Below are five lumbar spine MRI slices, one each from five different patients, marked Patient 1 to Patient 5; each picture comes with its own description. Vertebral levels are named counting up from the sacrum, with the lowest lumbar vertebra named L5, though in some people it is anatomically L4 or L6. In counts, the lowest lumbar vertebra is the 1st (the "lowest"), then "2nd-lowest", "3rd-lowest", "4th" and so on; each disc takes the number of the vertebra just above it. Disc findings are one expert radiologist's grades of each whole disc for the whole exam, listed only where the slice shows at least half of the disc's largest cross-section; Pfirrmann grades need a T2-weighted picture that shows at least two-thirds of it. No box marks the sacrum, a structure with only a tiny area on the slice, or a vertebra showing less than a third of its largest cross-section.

Patient 1 of 5:
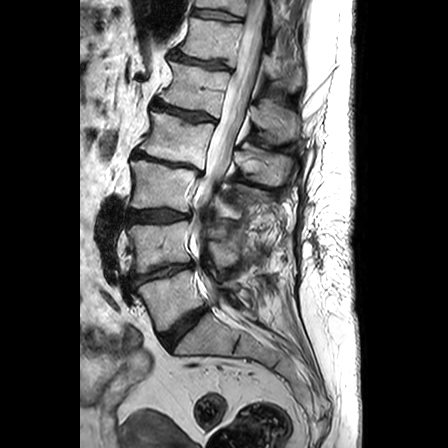 Patient sex: F. Sagittal T2-weighted lumbar spine MRI. Field of view 280x280 mm.

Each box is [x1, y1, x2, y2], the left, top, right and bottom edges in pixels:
Spinal canal at [193, 0, 264, 300], 4th vertebra at [140, 111, 291, 185], 3rd-lowest vertebra at [131, 160, 240, 218], 5th disc at [154, 102, 212, 120], 5th vertebra at [161, 61, 299, 142], lowest vertebra at [137, 270, 237, 331], 7th disc at [193, 9, 239, 21], 2nd-lowest disc at [132, 263, 193, 285], 4th disc at [133, 150, 203, 175], 7th vertebra at [196, 0, 286, 33], 6th disc at [171, 54, 229, 69], 6th vertebra at [178, 17, 303, 91], lowest disc at [160, 306, 207, 348], 3rd-lowest disc at [128, 209, 189, 223], 2nd-lowest vertebra at [128, 221, 238, 272].

Radiological gradings:
• lowest disc: Pfirrmann grade 3, disc bulging
• 2nd-lowest disc: Pfirrmann grade 4, disc bulging, disc narrowing
• 3rd-lowest disc: Pfirrmann grade 3, disc bulging
• 5th disc: Pfirrmann grade 3, disc narrowing, Modic type II
• 6th disc: Pfirrmann grade 3, disc narrowing
• 7th disc: Pfirrmann grade 1

Patient 2 of 5:
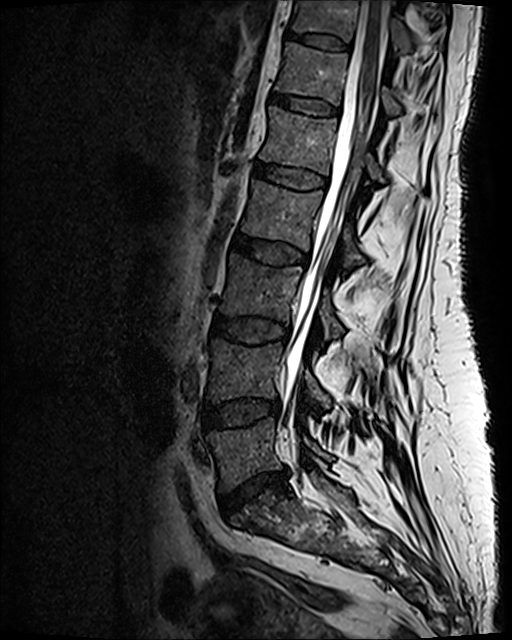 Slice 55 of 120. MRI lumbar spine (T2 SPACE (3D)), sagittal plane. 512x640 px.

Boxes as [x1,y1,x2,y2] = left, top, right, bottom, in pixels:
3rd-lowest vertebra: [221,255,343,338].
7th disc: [284,29,348,51].
5th vertebra: [259,107,384,181].
6th vertebra: [276,42,399,114].
Lowest vertebra: [208,419,332,491].
4th vertebra: [242,181,364,268].
Thecal sac / spinal canal: [284,0,385,452].
7th vertebra: [292,0,412,56].
2nd-lowest vertebra: [208,340,330,408].
2nd-lowest disc: [204,401,280,427].
Lowest disc: [221,470,286,514].
4th disc: [234,234,308,264].
3rd-lowest disc: [212,317,289,343].
5th disc: [255,161,327,189].
6th disc: [272,94,338,115].

Expert MSK radiologist gradings (per disc):
• 3rd-lowest disc: Pfirrmann grade 3
• 7th disc: Pfirrmann grade 2
• 5th disc: Pfirrmann grade 2
• lowest disc: Pfirrmann grade 3, disc herniation, disc narrowing, upper-endplate change, lower-endplate change
• 6th disc: Pfirrmann grade 2
• 4th disc: Pfirrmann grade 3, disc bulging
• 2nd-lowest disc: Pfirrmann grade 3, disc bulging

Patient 3 of 5:
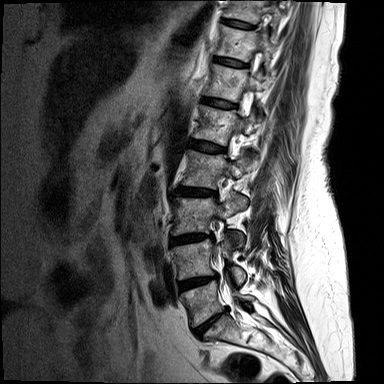
384x384 px. Field of view 280x280 mm, slice spacing 4.4 mm. Sagittal slice index 4. T2-weighted sagittal MRI of the lumbar spine.

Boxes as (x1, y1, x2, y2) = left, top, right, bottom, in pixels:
L5 (lowest vertebra) at (179, 277, 252, 326).
L2 (4th vertebra) at (181, 150, 259, 188).
Intervertebral disc L1/L2 (5th disc) at (189, 140, 225, 151).
T11 (7th vertebra) at (216, 24, 275, 72).
L1 (5th vertebra) at (194, 105, 255, 145).
L4/L5 (2nd-lowest disc) at (177, 273, 219, 290).
T10 (8th vertebra) at (224, 0, 282, 36).
T10/T11 (8th disc) at (223, 18, 254, 28).
Intervertebral disc L3/L4 (3rd-lowest disc) at (169, 233, 214, 244).
Intervertebral disc L5/S1 (lowest disc) at (192, 308, 227, 337).
Intervertebral disc L2/L3 (4th disc) at (175, 187, 214, 196).
L4 (2nd-lowest vertebra) at (171, 236, 245, 285).
Intervertebral disc T11/T12 (7th disc) at (215, 57, 245, 66).
T12/L1 (6th disc) at (202, 97, 236, 108).
T12 (6th vertebra) at (204, 64, 263, 121).
L3 (3rd-lowest vertebra) at (170, 192, 246, 247).

Per-level radiological findings:
- T11/T12 (7th disc): Pfirrmann grade 3
- L4/L5 (2nd-lowest disc): Pfirrmann grade 4, disc narrowing, disc bulging
- T10/T11 (8th disc): Pfirrmann grade 2
- L5/S1 (lowest disc): Pfirrmann grade 5, disc bulging, Modic type II, disc narrowing
- L3/L4 (3rd-lowest disc): Pfirrmann grade 4, disc narrowing, disc bulging
- L2/L3 (4th disc): Pfirrmann grade 3, Modic type II, disc bulging
- T12/L1 (6th disc): Pfirrmann grade 3
- L1/L2 (5th disc): Pfirrmann grade 3, Modic type II

Patient 4 of 5:
Sagittal T2-weighted lumbar spine MRI. Image 1089x1120. Sex F. 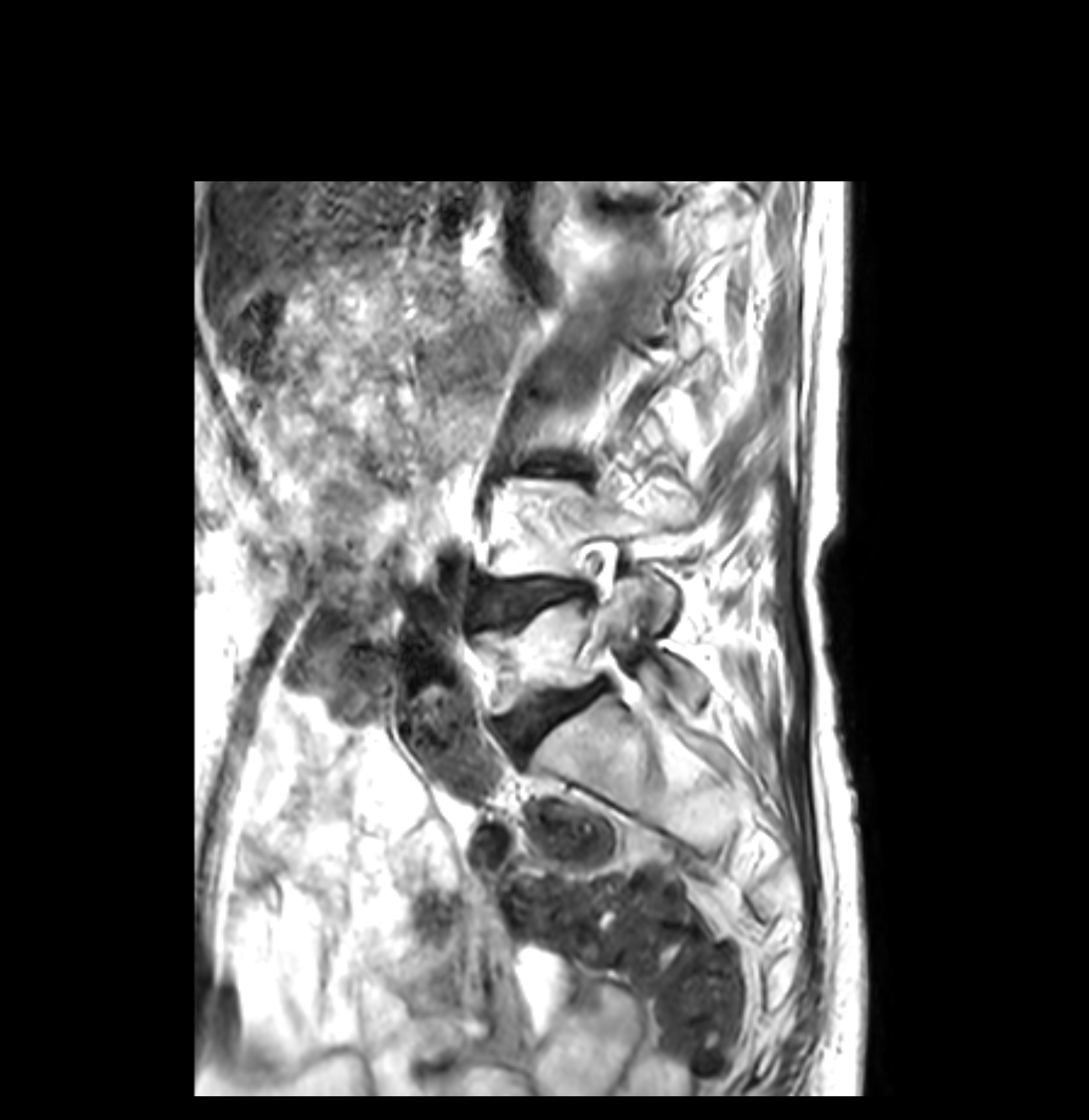
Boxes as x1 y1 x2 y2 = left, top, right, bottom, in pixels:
2nd-lowest vertebra at 491 481 700 629, lowest disc at 505 684 602 746, 2nd-lowest disc at 481 578 578 624, lowest vertebra at 474 574 705 711.

Degenerative findings by level:
  2nd-lowest disc: disc bulging, Modic type II, lower-endplate change, upper-endplate change

Patient 5 of 5:
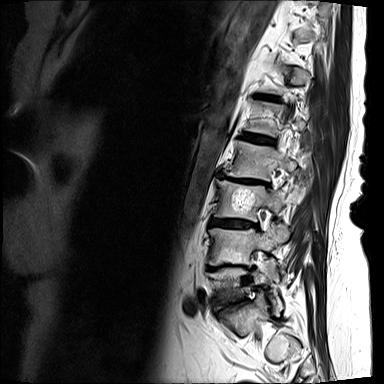 Lumbar spine MR, T2-weighted, sagittal, Slice 11/15

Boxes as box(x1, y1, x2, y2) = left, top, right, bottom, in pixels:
L4 vertebra at box(209, 223, 289, 265); L1/L2 at box(242, 132, 275, 145); L3/L4 at box(210, 219, 257, 227); intervertebral disc L5/S1 at box(226, 299, 245, 306); L2 vertebra at box(224, 140, 310, 180); intervertebral disc T12/L1 at box(261, 95, 279, 99); L3 vertebra at box(214, 179, 303, 221); L5 at box(209, 258, 277, 311); L2/L3 at box(220, 174, 266, 184).

Expert MSK radiologist gradings (per disc):
- L3/L4: Pfirrmann grade 4, disc bulging, upper-endplate change, lower-endplate change
- T12/L1: lower-endplate change, disc bulging, upper-endplate change, Modic type II, disc narrowing
- L2/L3: Pfirrmann grade 5, disc narrowing, lower-endplate change, disc bulging, upper-endplate change, spondylolisthesis, Modic type II
- L1/L2: lower-endplate change, disc bulging, upper-endplate change